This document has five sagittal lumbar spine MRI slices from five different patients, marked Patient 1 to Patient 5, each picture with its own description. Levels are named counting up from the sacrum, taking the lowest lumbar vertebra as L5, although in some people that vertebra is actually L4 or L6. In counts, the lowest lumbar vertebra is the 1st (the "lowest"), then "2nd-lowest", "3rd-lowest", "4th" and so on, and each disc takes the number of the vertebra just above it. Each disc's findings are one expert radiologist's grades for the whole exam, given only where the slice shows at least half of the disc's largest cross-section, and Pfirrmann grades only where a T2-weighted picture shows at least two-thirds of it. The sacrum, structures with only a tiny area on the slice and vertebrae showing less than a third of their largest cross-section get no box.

Patient 1 of 5:
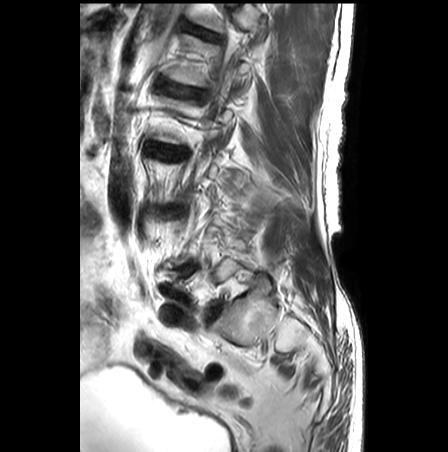
Slice 5/27. Lumbar spine MR, T2-weighted, sagittal. 448x452 px. Sex M. Slice spacing 3.3 mm.
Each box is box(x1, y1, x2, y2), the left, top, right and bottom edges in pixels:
intervertebral disc L1/L2 (5th disc): box(159, 80, 201, 98) | intervertebral disc L2/L3 (4th disc): box(147, 144, 185, 157) | intervertebral disc T12/L1 (6th disc): box(185, 25, 219, 39)

Expert MSK radiologist gradings (per disc):
- L1/L2 (5th disc): Modic type II, upper-endplate change, lower-endplate change, disc bulging

Patient 2 of 5:
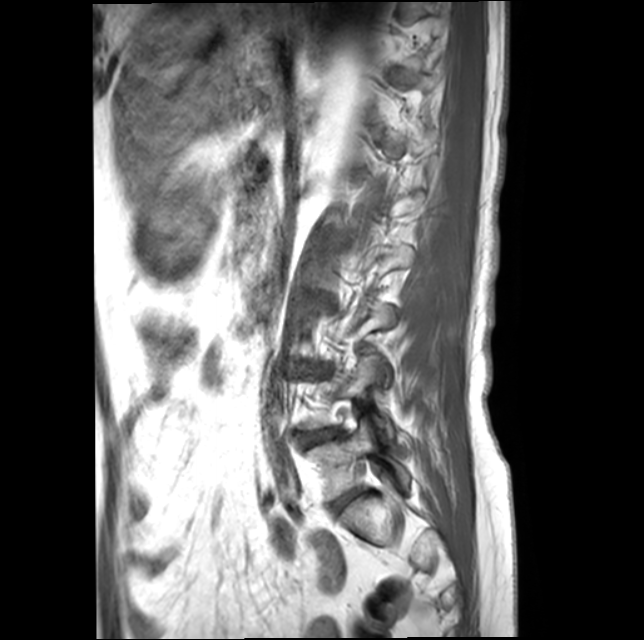 T1-weighted sagittal MRI of the lumbar spine | Patient sex: F

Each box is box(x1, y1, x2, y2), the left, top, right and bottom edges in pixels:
{"L5 vertebra": "box(307, 420, 409, 500)", "disc L4/L5": "box(301, 430, 340, 445)", "disc L5/S1": "box(335, 491, 360, 510)"}

Patient 3 of 5:
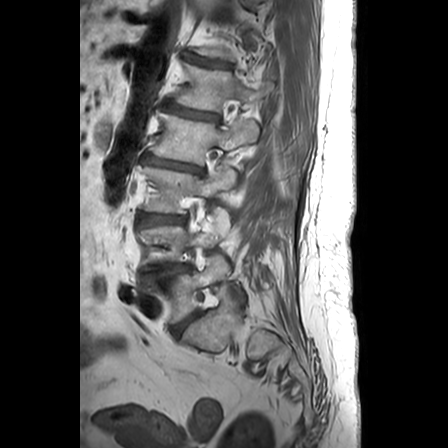 MRI lumbar spine (T1-weighted), sagittal plane; Sex F

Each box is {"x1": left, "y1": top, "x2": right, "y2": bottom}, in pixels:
Annotations:
* L2/L3 (4th disc) — {"x1": 142, "y1": 154, "x2": 203, "y2": 175}
* L5 (lowest vertebra) — {"x1": 147, "y1": 254, "x2": 229, "y2": 323}
* L1 (5th vertebra) — {"x1": 174, "y1": 63, "x2": 273, "y2": 112}
* L3 (3rd-lowest vertebra) — {"x1": 142, "y1": 166, "x2": 236, "y2": 213}
* disc T12/L1 (6th disc) — {"x1": 184, "y1": 54, "x2": 230, "y2": 68}
* L2 (4th vertebra) — {"x1": 151, "y1": 113, "x2": 259, "y2": 165}
* L5/S1 (lowest disc) — {"x1": 174, "y1": 313, "x2": 198, "y2": 335}
* L1/L2 (5th disc) — {"x1": 164, "y1": 103, "x2": 219, "y2": 121}
* L4/L5 (2nd-lowest disc) — {"x1": 143, "y1": 265, "x2": 191, "y2": 283}
* disc L3/L4 (3rd-lowest disc) — {"x1": 139, "y1": 214, "x2": 184, "y2": 225}
* L4 (2nd-lowest vertebra) — {"x1": 141, "y1": 209, "x2": 229, "y2": 270}

Radiological gradings:
• L4/L5 (2nd-lowest disc): disc bulging, disc narrowing
• L1/L2 (5th disc): disc narrowing, Modic type II
• T12/L1 (6th disc): disc narrowing
• L3/L4 (3rd-lowest disc): disc bulging
• L2/L3 (4th disc): spondylolisthesis, disc narrowing, disc bulging, Modic type II

Patient 4 of 5:
Sagittal T1-weighted lumbar spine MRI, 320x320 px, Slice spacing 4.8 mm

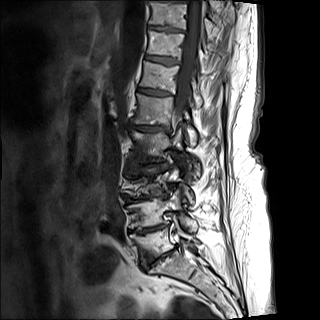 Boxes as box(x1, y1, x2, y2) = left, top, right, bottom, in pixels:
Segmented structures:
- 4th vertebra at box(131, 130, 191, 169)
- 2nd-lowest vertebra at box(128, 188, 195, 230)
- lowest disc at box(151, 244, 177, 265)
- 6th disc at box(138, 88, 168, 95)
- 3rd-lowest disc at box(126, 195, 150, 202)
- 7th disc at box(146, 56, 177, 64)
- lowest vertebra at box(130, 217, 199, 263)
- 5th disc at box(129, 124, 165, 131)
- 6th vertebra at box(140, 61, 202, 107)
- 7th vertebra at box(147, 31, 206, 70)
- 8th disc at box(149, 25, 182, 31)
- 2nd-lowest disc at box(130, 224, 169, 234)
- thecal sac / spinal canal at box(174, 0, 204, 122)
- 5th vertebra at box(133, 94, 196, 142)
- 8th vertebra at box(149, 1, 211, 37)
- 3rd-lowest vertebra at box(129, 165, 192, 202)

Per-level radiological findings:
- 5th disc: lower-endplate change, Modic type I, upper-endplate change, disc narrowing, disc bulging
- 2nd-lowest disc: Modic type II, upper-endplate change, disc narrowing, disc bulging, lower-endplate change
- 8th disc: upper-endplate change
- 7th disc: upper-endplate change
- 6th disc: no Modic or endplate change, herniation, narrowing, bulging or spondylolisthesis recorded

Patient 5 of 5:
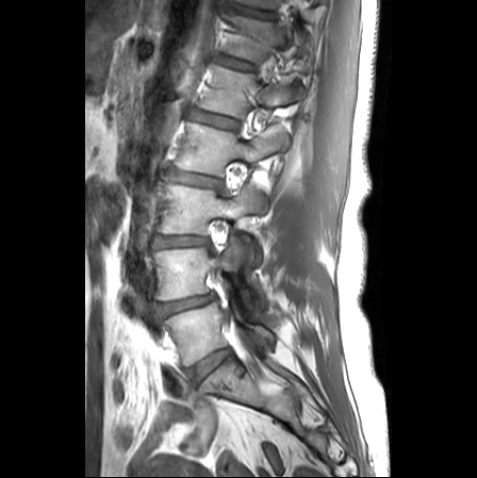

Field of view 280x281 mm | Sex F | Sagittal T1-weighted lumbar spine MRI | Slice 8/25
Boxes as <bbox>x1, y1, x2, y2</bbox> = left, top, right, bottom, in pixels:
L2 vertebra at <bbox>176, 121, 290, 175</bbox>, L3 vertebra at <bbox>161, 183, 264, 234</bbox>, T11/T12 at <bbox>240, 9, 274, 19</bbox>, L2/L3 at <bbox>171, 171, 221, 188</bbox>, L4 at <bbox>155, 239, 239, 300</bbox>, L3/L4 at <bbox>156, 236, 209, 246</bbox>, T12 vertebra at <bbox>227, 16, 283, 61</bbox>, intervertebral disc L4/L5 at <bbox>160, 296, 209, 316</bbox>, T12/L1 at <bbox>217, 56, 253, 70</bbox>, L5 vertebra at <bbox>166, 303, 274, 364</bbox>, intervertebral disc L1/L2 at <bbox>193, 109, 237, 129</bbox>, L1 vertebra at <bbox>200, 67, 300, 118</bbox>, L5/S1 at <bbox>187, 349, 230, 381</bbox>.

Degenerative findings by level:
- L1/L2: lower-endplate change, upper-endplate change
- L3/L4: disc bulging, disc narrowing
- L2/L3: disc bulging, lower-endplate change, upper-endplate change
- L4/L5: lower-endplate change, upper-endplate change, disc narrowing, disc bulging
- T11/T12: lower-endplate change, disc narrowing, upper-endplate change
- T12/L1: lower-endplate change, upper-endplate change
- L5/S1: no herniation, bulging, narrowing, spondylolisthesis, endplate or Modic change recorded